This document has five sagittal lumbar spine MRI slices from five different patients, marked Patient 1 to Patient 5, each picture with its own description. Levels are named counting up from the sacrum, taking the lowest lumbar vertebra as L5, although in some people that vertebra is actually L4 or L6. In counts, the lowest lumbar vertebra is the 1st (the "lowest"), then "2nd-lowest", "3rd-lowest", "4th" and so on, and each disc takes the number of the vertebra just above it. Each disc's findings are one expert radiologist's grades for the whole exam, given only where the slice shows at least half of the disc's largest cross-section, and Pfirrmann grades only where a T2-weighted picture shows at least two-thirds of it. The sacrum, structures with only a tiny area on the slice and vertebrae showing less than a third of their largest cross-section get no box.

Patient 1 of 5:
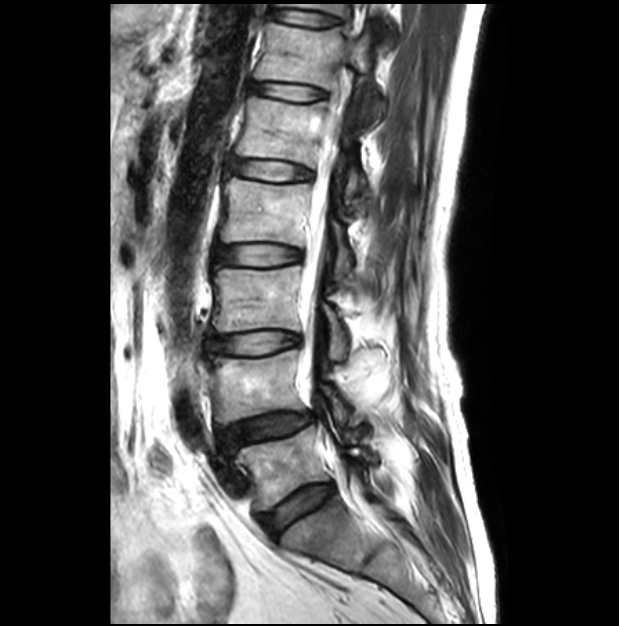

Sagittal T2-weighted lumbar spine MRI, Sex M, Slice 18/28, 619x626 px, Slice spacing 3.3 mm
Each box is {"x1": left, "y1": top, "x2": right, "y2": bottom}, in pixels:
L4 vertebra: {"x1": 209, "y1": 350, "x2": 348, "y2": 426}
L3: {"x1": 213, "y1": 267, "x2": 346, "y2": 358}
L2/L3: {"x1": 209, "y1": 243, "x2": 300, "y2": 272}
L3/L4: {"x1": 207, "y1": 331, "x2": 299, "y2": 359}
T12: {"x1": 254, "y1": 18, "x2": 383, "y2": 129}
thecal sac / spinal canal: {"x1": 298, "y1": 103, "x2": 343, "y2": 379}
T12/L1: {"x1": 250, "y1": 83, "x2": 325, "y2": 101}
T11/T12: {"x1": 272, "y1": 10, "x2": 339, "y2": 25}
IVD L5/S1: {"x1": 260, "y1": 483, "x2": 335, "y2": 535}
IVD L1/L2: {"x1": 228, "y1": 160, "x2": 311, "y2": 181}
L5: {"x1": 235, "y1": 408, "x2": 375, "y2": 510}
L4/L5: {"x1": 218, "y1": 412, "x2": 312, "y2": 449}
L1 vertebra: {"x1": 236, "y1": 95, "x2": 365, "y2": 204}
L2 vertebra: {"x1": 220, "y1": 178, "x2": 351, "y2": 285}

Per-level radiological findings:
  L2/L3: Pfirrmann grade 1
  T11/T12: Pfirrmann grade 1
  L3/L4: Pfirrmann grade 1
  L4/L5: Pfirrmann grade 3, lower-endplate change, disc bulging, disc narrowing, spondylolisthesis, upper-endplate change
  L5/S1: Pfirrmann grade 2
  T12/L1: Pfirrmann grade 1
  L1/L2: no herniation, bulging, narrowing, spondylolisthesis, endplate or Modic change recorded

Patient 2 of 5:
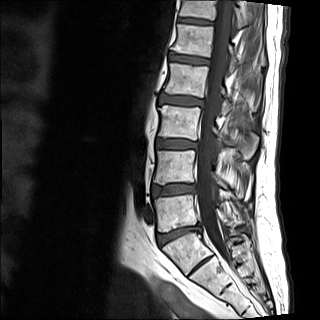 Sagittal T1-weighted lumbar spine MRI.
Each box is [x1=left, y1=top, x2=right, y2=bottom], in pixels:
* 4th vertebra — [x1=164, y1=63, x2=231, y2=114]
* 3rd-lowest disc — [x1=156, y1=139, x2=196, y2=148]
* 5th disc — [x1=169, y1=53, x2=209, y2=64]
* 6th vertebra — [x1=179, y1=0, x2=252, y2=28]
* 2nd-lowest vertebra — [x1=153, y1=150, x2=243, y2=194]
* 3rd-lowest vertebra — [x1=158, y1=105, x2=258, y2=158]
* lowest disc — [x1=156, y1=224, x2=202, y2=246]
* 5th vertebra — [x1=171, y1=24, x2=265, y2=72]
* 6th disc — [x1=178, y1=18, x2=213, y2=24]
* 2nd-lowest disc — [x1=151, y1=184, x2=195, y2=197]
* 4th disc — [x1=160, y1=95, x2=203, y2=106]
* thecal sac / spinal canal — [x1=197, y1=0, x2=233, y2=261]
* lowest vertebra — [x1=153, y1=194, x2=237, y2=232]

Degenerative findings by level:
- 2nd-lowest disc: lower-endplate change, upper-endplate change, disc bulging
- 4th disc: disc bulging, upper-endplate change, Modic type II, lower-endplate change
- lowest disc: lower-endplate change, upper-endplate change, disc narrowing, Modic type II, disc herniation
- 5th disc: upper-endplate change, lower-endplate change, Modic type II
- 6th disc, 3rd-lowest disc: no herniation, bulging, narrowing, spondylolisthesis, endplate or Modic change recorded

Patient 3 of 5:
Slice 68/120; MRI lumbar spine (T2 SPACE (3D)), sagittal plane; SIEMENS Avanto_fit (1.5T)

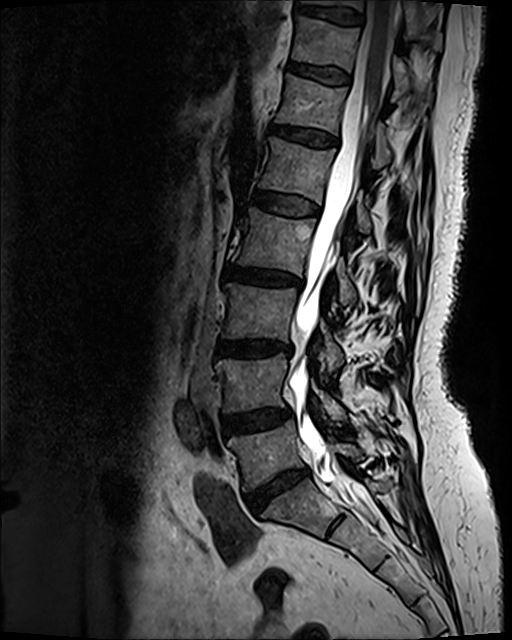
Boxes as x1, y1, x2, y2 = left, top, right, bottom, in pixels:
L5 vertebra: 228, 421, 360, 491
T11: 292, 16, 431, 104
L5/S1: 247, 469, 307, 512
L4: 215, 353, 346, 421
L2: 232, 208, 357, 305
L1/L2: 250, 191, 318, 215
T10 vertebra: 302, 0, 442, 49
L3 vertebra: 223, 283, 344, 371
disc L2/L3: 223, 265, 301, 285
L3/L4: 215, 340, 290, 353
L4/L5: 224, 408, 289, 432
disc T10/T11: 293, 5, 364, 24
T12 vertebra: 275, 73, 393, 166
spinal canal: 288, 1, 394, 522
disc T11/T12: 288, 63, 348, 83
L1: 258, 137, 371, 232
disc T12/L1: 270, 124, 337, 146

Degenerative findings by level:
• L4/L5: Pfirrmann grade 3, disc bulging
• T11/T12: Pfirrmann grade 2
• L5/S1: Pfirrmann grade 4, disc bulging, disc narrowing
• L1/L2: Pfirrmann grade 2
• T10/T11: Pfirrmann grade 2
• L3/L4: Pfirrmann grade 4, disc bulging, lower-endplate change, upper-endplate change, disc narrowing, Modic type II
• T12/L1: Pfirrmann grade 3, disc bulging
• L2/L3: Pfirrmann grade 4, upper-endplate change, disc bulging, lower-endplate change, Modic type II, disc narrowing

Patient 4 of 5:
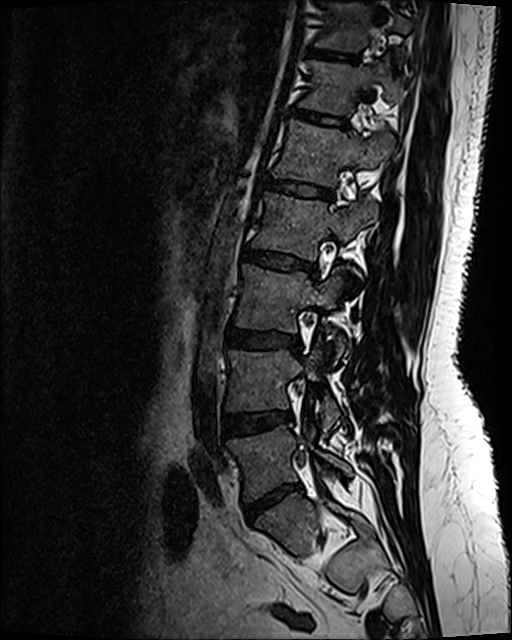 Patient sex: F | Field of view 240x300 mm, slice spacing 0.9 mm | T2 SPACE (3D) sagittal MRI of the lumbar spine
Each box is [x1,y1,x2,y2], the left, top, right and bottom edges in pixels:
L5 vertebra = [228,426,351,499].
Intervertebral disc L2/L3 = [243,249,314,274].
Intervertebral disc T11/T12 = [311,51,358,64].
T12 vertebra = [301,62,400,114].
L1 vertebra = [273,121,394,186].
L4 vertebra = [227,350,339,431].
T11 vertebra = [316,2,411,52].
Intervertebral disc L1/L2 = [264,181,333,200].
L4/L5 = [224,412,291,434].
L3 vertebra = [235,265,345,357].
Intervertebral disc T12/L1 = [294,111,346,129].
L3/L4 = [226,330,295,348].
L5/S1 = [246,485,300,518].
L2 vertebra = [253,194,377,260].

Degenerative findings by level:
- T11/T12: Pfirrmann grade 2
- L5/S1: disc bulging, disc herniation, disc narrowing
- L3/L4: Pfirrmann grade 2, disc bulging
- T12/L1: Pfirrmann grade 2, lower-endplate change, upper-endplate change
- L1/L2: Pfirrmann grade 2, upper-endplate change, lower-endplate change
- L2/L3: Pfirrmann grade 4, lower-endplate change, upper-endplate change, disc bulging
- L4/L5: disc bulging

Patient 5 of 5:
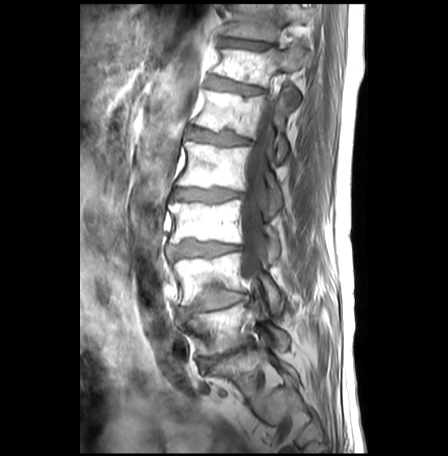
MRI lumbar spine (T1-weighted), sagittal plane, 448x456 px, Sex M
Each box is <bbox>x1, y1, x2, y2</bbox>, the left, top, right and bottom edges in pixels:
4th disc at <bbox>172, 189, 241, 203</bbox>, 7th vertebra at <bbox>223, 4, 311, 43</bbox>, 2nd-lowest disc at <bbox>178, 289, 248, 320</bbox>, lowest disc at <bbox>199, 342, 251, 369</bbox>, 2nd-lowest vertebra at <bbox>171, 253, 281, 312</bbox>, 7th disc at <bbox>219, 39, 269, 49</bbox>, spinal canal at <bbox>238, 84, 277, 285</bbox>, 5th vertebra at <bbox>193, 91, 287, 165</bbox>, 6th disc at <bbox>206, 76, 262, 94</bbox>, 6th vertebra at <bbox>212, 44, 304, 107</bbox>, 3rd-lowest vertebra at <bbox>168, 200, 280, 260</bbox>, 5th disc at <bbox>188, 129, 248, 146</bbox>, 4th vertebra at <bbox>175, 142, 281, 215</bbox>, 3rd-lowest disc at <bbox>166, 240, 239, 263</bbox>, lowest vertebra at <bbox>180, 301, 289, 356</bbox>.

Per-level radiological findings:
  4th disc: upper-endplate change, Modic type II, disc narrowing, disc bulging, lower-endplate change
  5th disc: lower-endplate change, disc bulging, upper-endplate change, Modic type II
  2nd-lowest disc: Modic type II, lower-endplate change, disc bulging, upper-endplate change
  lowest disc: disc narrowing, disc bulging, Modic type II
  3rd-lowest disc: Modic type II, upper-endplate change, disc bulging, lower-endplate change, disc narrowing
  7th disc: Modic type II, upper-endplate change, lower-endplate change
  6th disc: disc bulging, upper-endplate change, lower-endplate change, Modic type II